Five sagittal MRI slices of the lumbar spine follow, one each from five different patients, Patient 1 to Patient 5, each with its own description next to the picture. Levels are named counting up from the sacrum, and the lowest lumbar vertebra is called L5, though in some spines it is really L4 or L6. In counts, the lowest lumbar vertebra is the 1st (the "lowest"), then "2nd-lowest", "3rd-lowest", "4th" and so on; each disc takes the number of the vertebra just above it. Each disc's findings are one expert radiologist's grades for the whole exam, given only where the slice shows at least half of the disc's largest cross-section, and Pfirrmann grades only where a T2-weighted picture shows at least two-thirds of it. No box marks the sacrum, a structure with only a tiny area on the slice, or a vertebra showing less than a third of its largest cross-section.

Patient 1 of 5:
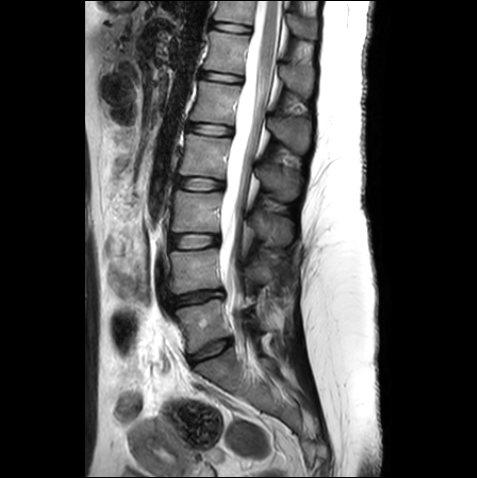

Image 477x478 | Sagittal T2-weighted lumbar spine MRI
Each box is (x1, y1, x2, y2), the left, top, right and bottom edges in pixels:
lowest vertebra: (175, 299, 266, 352)
3rd-lowest disc: (168, 234, 218, 248)
7th vertebra: (215, 1, 316, 41)
lowest disc: (188, 338, 231, 364)
4th vertebra: (180, 134, 299, 200)
spinal canal: (219, 0, 281, 328)
2nd-lowest vertebra: (170, 248, 274, 293)
6th disc: (201, 71, 242, 82)
5th vertebra: (190, 81, 310, 152)
4th disc: (177, 178, 222, 189)
3rd-lowest vertebra: (172, 190, 292, 246)
2nd-lowest disc: (168, 290, 224, 305)
6th vertebra: (204, 31, 314, 96)
5th disc: (186, 122, 232, 134)
7th disc: (212, 22, 250, 32)

Radiological gradings:
  4th disc: Pfirrmann grade 1
  7th disc: Pfirrmann grade 1
  3rd-lowest disc: Pfirrmann grade 1
  6th disc: Pfirrmann grade 1
  5th disc: Pfirrmann grade 1
  lowest disc: Pfirrmann grade 1
  2nd-lowest disc: Pfirrmann grade 3, disc bulging, disc narrowing

Patient 2 of 5:
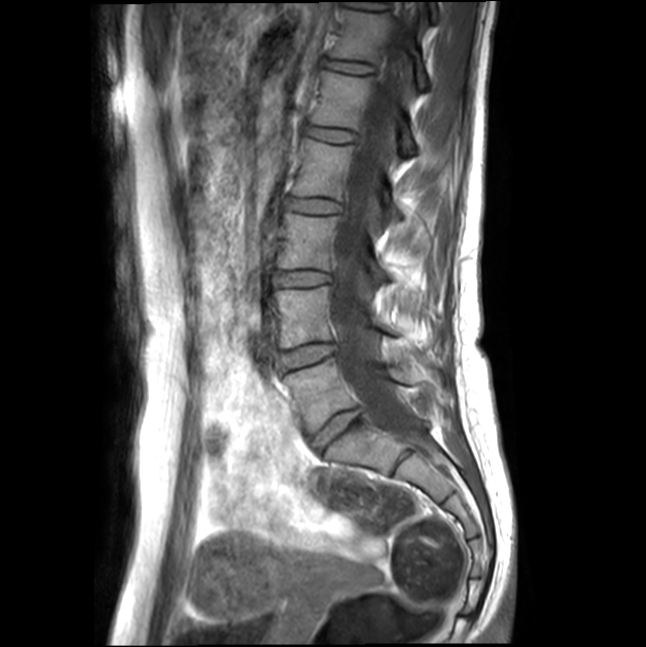 Sagittal T1-weighted lumbar spine MRI; Sagittal slice index 6
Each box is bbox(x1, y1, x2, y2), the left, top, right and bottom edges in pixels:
Annotations:
• spinal canal at bbox(333, 18, 434, 456)
• L2 vertebra at bbox(293, 139, 401, 219)
• IVD L5/S1 at bbox(313, 410, 359, 449)
• L5 at bbox(284, 358, 413, 432)
• T12 vertebra at bbox(331, 10, 429, 88)
• L1 vertebra at bbox(311, 70, 415, 152)
• L4 at bbox(274, 286, 386, 347)
• L2/L3 at bbox(286, 197, 341, 213)
• IVD L4/L5 at bbox(278, 343, 336, 372)
• IVD L3/L4 at bbox(273, 272, 330, 287)
• IVD T12/L1 at bbox(323, 59, 374, 73)
• L3 at bbox(277, 213, 388, 282)
• IVD L1/L2 at bbox(306, 126, 357, 143)

Degenerative findings by level:
- T12/L1, L3/L4, L4/L5, L5/S1, L1/L2, L2/L3: no Modic or endplate change, herniation, narrowing, bulging or spondylolisthesis recorded

Patient 3 of 5:
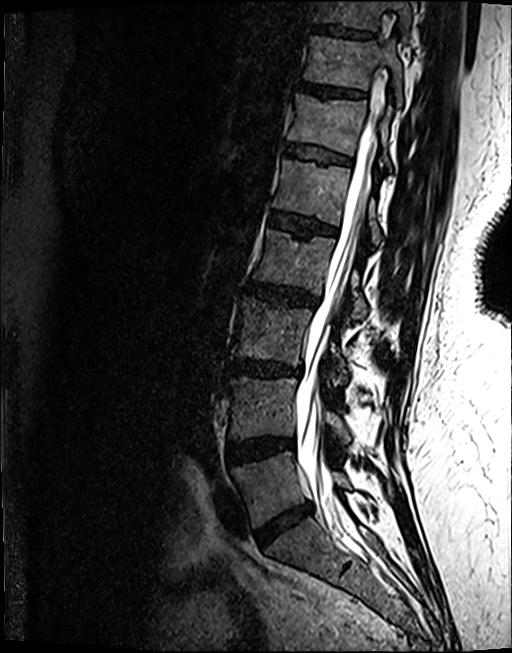

T2 SPACE (3D) sagittal MRI of the lumbar spine, Slice 69 of 122, 512x653 px
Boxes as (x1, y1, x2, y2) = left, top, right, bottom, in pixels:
L1 (5th vertebra) at (271, 159, 382, 243), L2 (4th vertebra) at (252, 228, 367, 316), L5 (lowest vertebra) at (230, 451, 352, 527), T11 (7th vertebra) at (302, 34, 403, 105), L3 (3rd-lowest vertebra) at (231, 296, 352, 382), T10 (8th vertebra) at (313, 0, 411, 36), intervertebral disc T11/T12 (7th disc) at (297, 81, 365, 97), spinal canal at (296, 67, 385, 529), T10/T11 (8th disc) at (313, 24, 372, 37), T12/L1 (6th disc) at (285, 143, 350, 163), L4 (2nd-lowest vertebra) at (226, 377, 351, 443), T12 (6th vertebra) at (287, 93, 392, 171), intervertebral disc L5/S1 (lowest disc) at (255, 503, 312, 546), intervertebral disc L3/L4 (3rd-lowest disc) at (228, 360, 300, 376), L4/L5 (2nd-lowest disc) at (227, 436, 293, 462), intervertebral disc L2/L3 (4th disc) at (245, 282, 317, 306), intervertebral disc L1/L2 (5th disc) at (269, 211, 335, 236).

Per-level radiological findings:
• L4/L5 (2nd-lowest disc): Pfirrmann grade 4, lower-endplate change, Modic type II, disc bulging
• L2/L3 (4th disc): Pfirrmann grade 4, lower-endplate change, upper-endplate change, disc bulging
• T10/T11 (8th disc): Pfirrmann grade 4, lower-endplate change, upper-endplate change
• T11/T12 (7th disc): Pfirrmann grade 4, upper-endplate change
• T12/L1 (6th disc): Pfirrmann grade 3, lower-endplate change, upper-endplate change
• L3/L4 (3rd-lowest disc): Pfirrmann grade 4, disc narrowing, upper-endplate change, disc bulging, Modic type II, lower-endplate change
• L5/S1 (lowest disc): Pfirrmann grade 4, disc bulging, disc narrowing
• L1/L2 (5th disc): Pfirrmann grade 4, lower-endplate change, upper-endplate change, Modic type II

Patient 4 of 5:
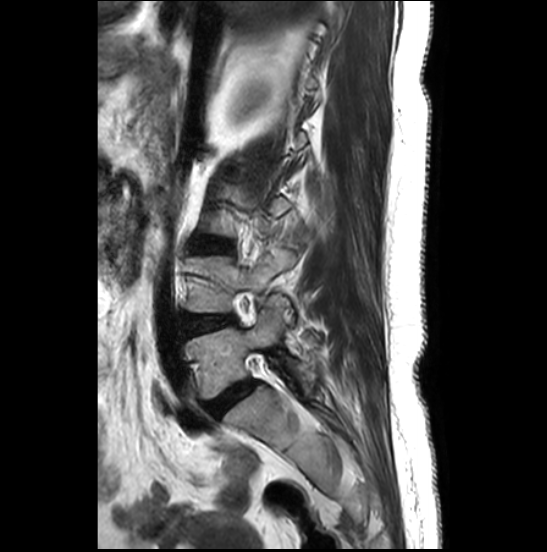
MRI lumbar spine (T2-weighted), sagittal plane, Field of view 280x282 mm, slice spacing 3.3 mm, Sex F
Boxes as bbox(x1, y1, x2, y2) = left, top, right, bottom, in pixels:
2nd-lowest vertebra — bbox(182, 249, 295, 312).
Lowest vertebra — bbox(186, 297, 317, 398).
Lowest disc — bbox(206, 381, 253, 416).
3rd-lowest disc — bbox(195, 243, 226, 251).
2nd-lowest disc — bbox(187, 316, 234, 334).

Degenerative findings by level:
  lowest disc: disc bulging
  2nd-lowest disc: disc bulging

Patient 5 of 5:
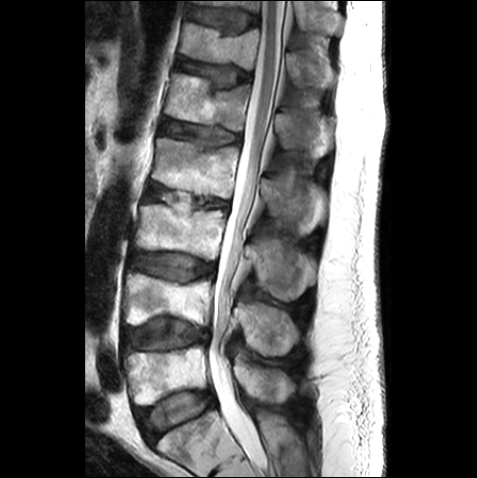 Lumbar spine MR, T2-weighted, sagittal | Patient sex: M | 477x478 px
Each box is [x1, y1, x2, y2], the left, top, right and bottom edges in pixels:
{"lowest vertebra": "[123, 345, 294, 405]", "5th vertebra": "[164, 72, 313, 148]", "7th disc": "[188, 7, 258, 30]", "4th disc": "[145, 184, 228, 210]", "3rd-lowest disc": "[132, 253, 214, 280]", "4th vertebra": "[151, 137, 290, 217]", "lowest disc": "[135, 391, 213, 441]", "3rd-lowest vertebra": "[132, 204, 315, 301]", "6th disc": "[178, 59, 250, 86]", "2nd-lowest disc": "[123, 318, 208, 350]", "thecal sac / spinal canal": "[209, 0, 284, 458]", "6th vertebra": "[179, 22, 334, 87]", "7th vertebra": "[191, 0, 340, 33]", "5th disc": "[162, 119, 239, 145]", "2nd-lowest vertebra": "[123, 270, 299, 356]"}

Expert MSK radiologist gradings (per disc):
- 4th disc: Pfirrmann grade 3, upper-endplate change
- 3rd-lowest disc: Pfirrmann grade 2
- 7th disc: Pfirrmann grade 2
- 2nd-lowest disc: Pfirrmann grade 2, lower-endplate change
- 5th disc: Pfirrmann grade 3
- lowest disc: Pfirrmann grade 1
- 6th disc: Pfirrmann grade 3, upper-endplate change